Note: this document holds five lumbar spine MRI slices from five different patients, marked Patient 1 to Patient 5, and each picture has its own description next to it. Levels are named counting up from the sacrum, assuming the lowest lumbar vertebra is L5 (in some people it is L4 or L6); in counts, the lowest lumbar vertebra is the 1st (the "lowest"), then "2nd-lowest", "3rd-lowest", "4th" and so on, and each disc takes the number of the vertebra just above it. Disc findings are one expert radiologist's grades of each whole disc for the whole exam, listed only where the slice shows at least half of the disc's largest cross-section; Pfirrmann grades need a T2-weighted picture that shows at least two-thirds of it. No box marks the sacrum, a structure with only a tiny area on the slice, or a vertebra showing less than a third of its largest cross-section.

Patient 1 of 5:
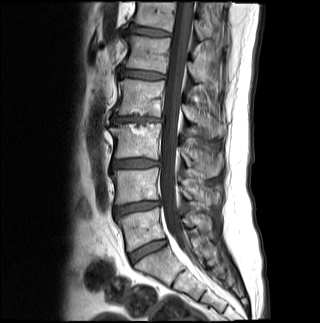 Sex M. 320x323 px. T1-weighted sagittal MRI of the lumbar spine.

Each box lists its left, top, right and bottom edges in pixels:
Segmented structures:
• L4 (2nd-lowest vertebra) at left=112, top=167, right=217, bottom=208
• L3/L4 (3rd-lowest disc) at left=112, top=158, right=160, bottom=168
• L3 (3rd-lowest vertebra) at left=110, top=124, right=222, bottom=177
• L1 (5th vertebra) at left=124, top=36, right=212, bottom=87
• intervertebral disc T12/L1 (6th disc) at left=129, top=25, right=169, bottom=36
• L2 (4th vertebra) at left=115, top=79, right=225, bottom=137
• intervertebral disc L5/S1 (lowest disc) at left=129, top=239, right=166, bottom=263
• L4/L5 (2nd-lowest disc) at left=114, top=201, right=159, bottom=215
• L5 (lowest vertebra) at left=117, top=208, right=211, bottom=251
• intervertebral disc L1/L2 (5th disc) at left=120, top=69, right=164, bottom=79
• thecal sac / spinal canal at left=160, top=1, right=193, bottom=247
• intervertebral disc L2/L3 (4th disc) at left=112, top=116, right=162, bottom=124
• T12 (6th vertebra) at left=132, top=3, right=210, bottom=40

Radiological gradings:
  L1/L2 (5th disc): lower-endplate change, upper-endplate change
  L3/L4 (3rd-lowest disc): disc bulging
  L4/L5 (2nd-lowest disc): disc bulging, lower-endplate change, disc narrowing
  L2/L3 (4th disc): disc bulging, disc narrowing, Modic type II, upper-endplate change, lower-endplate change
  T12/L1 (6th disc), L5/S1 (lowest disc): no spondylolisthesis, narrowing, bulging, herniation, Modic or endplate change recorded

Patient 2 of 5:
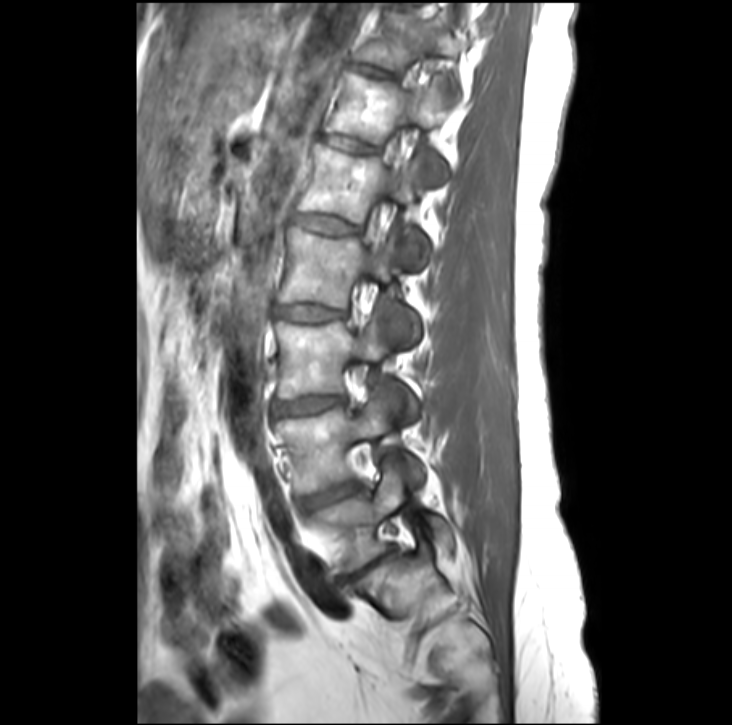 Slice 21/31; Sagittal T1-weighted lumbar spine MRI; 732x725 px
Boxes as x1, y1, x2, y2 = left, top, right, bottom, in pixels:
Annotations:
• L4 (2nd-lowest vertebra): 278, 389, 425, 493
• L5 (lowest vertebra): 313, 456, 453, 576
• T11 (7th vertebra): 354, 4, 458, 87
• L1 (5th vertebra): 296, 146, 425, 268
• IVD L4/L5 (2nd-lowest disc): 303, 482, 359, 512
• IVD L5/S1 (lowest disc): 339, 545, 398, 585
• L3 (3rd-lowest vertebra): 276, 317, 417, 420
• T12/L1 (6th disc): 318, 134, 373, 154
• IVD L1/L2 (5th disc): 295, 216, 357, 234
• T12 (6th vertebra): 323, 75, 445, 185
• L2/L3 (4th disc): 275, 307, 343, 322
• IVD L3/L4 (3rd-lowest disc): 276, 398, 346, 416
• L2 (4th vertebra): 278, 230, 420, 347
• IVD T11/T12 (7th disc): 349, 63, 391, 78

Per-level radiological findings:
- L3/L4 (3rd-lowest disc): disc bulging
- L2/L3 (4th disc), T12/L1 (6th disc), L1/L2 (5th disc): no spondylolisthesis, narrowing, bulging, herniation, Modic or endplate change recorded

Patient 3 of 5:
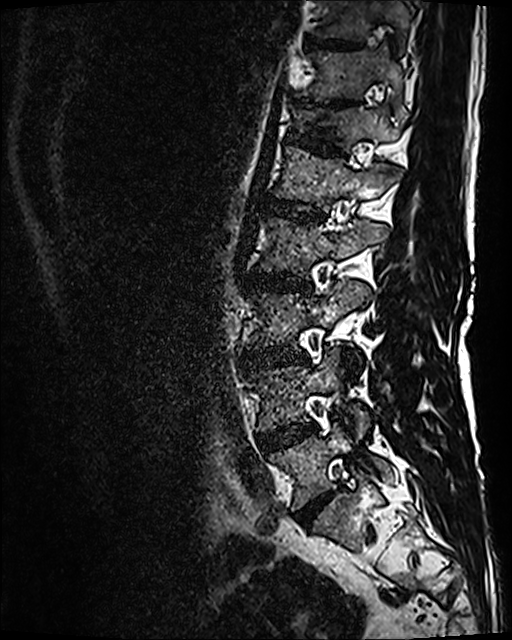 Slice 79 of 120; Lumbar spine MR, T2 SPACE (3D), sagittal; Sex M
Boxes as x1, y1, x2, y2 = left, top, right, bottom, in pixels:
{"2nd-lowest disc": "258, 424, 315, 451", "3rd-lowest vertebra": "254, 281, 370, 347", "4th vertebra": "259, 218, 389, 275", "lowest disc": "295, 492, 334, 526", "8th disc": "307, 37, 359, 48", "8th vertebra": "317, 0, 409, 43", "6th vertebra": "294, 106, 400, 149", "5th vertebra": "274, 147, 400, 211", "7th vertebra": "301, 49, 403, 109", "7th disc": "322, 101, 352, 105", "lowest vertebra": "269, 422, 391, 510", "3rd-lowest disc": "243, 348, 307, 367", "4th disc": "247, 272, 310, 290", "6th disc": "288, 127, 345, 155", "5th disc": "267, 198, 323, 222", "2nd-lowest vertebra": "250, 348, 367, 437"}

Degenerative findings by level:
- 5th disc: Pfirrmann grade 3
- 6th disc: Pfirrmann grade 3, lower-endplate change, upper-endplate change
- 4th disc: Modic type II, disc bulging
- 2nd-lowest disc: Pfirrmann grade 3, Modic type II, disc bulging
- 3rd-lowest disc: Pfirrmann grade 4, Modic type II, disc narrowing, disc bulging
- 8th disc: no spondylolisthesis, narrowing, bulging, herniation, Modic or endplate change recorded

Patient 4 of 5:
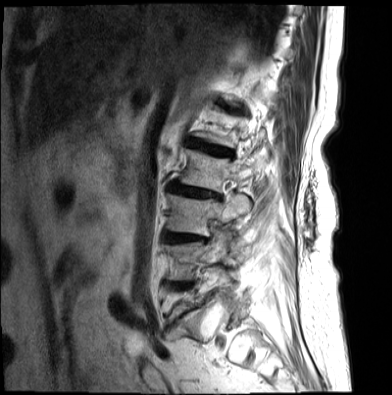
Slice 3/17, Patient sex: F, Sagittal T2-weighted lumbar spine MRI

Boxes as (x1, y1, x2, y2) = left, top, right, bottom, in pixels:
2nd-lowest vertebra: (162, 234, 227, 280).
3rd-lowest disc: (162, 232, 204, 242).
5th disc: (185, 138, 232, 156).
4th vertebra: (175, 149, 260, 191).
3rd-lowest vertebra: (166, 193, 248, 236).
4th disc: (167, 182, 218, 197).

Radiological gradings:
- 4th disc: Pfirrmann grade 3, upper-endplate change, disc narrowing, lower-endplate change, disc herniation, Modic type II, disc bulging
- 5th disc: Pfirrmann grade 4, disc bulging, Modic type II, upper-endplate change, lower-endplate change, disc narrowing
- 3rd-lowest disc: Pfirrmann grade 5, disc narrowing, Modic type II, lower-endplate change, upper-endplate change, disc bulging

Patient 5 of 5:
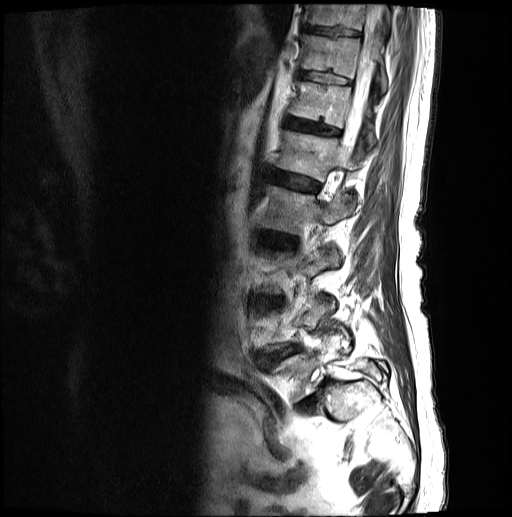
Field of view 300x303 mm; MRI lumbar spine (T2-weighted), sagittal plane

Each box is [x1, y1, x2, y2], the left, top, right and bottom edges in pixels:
4th vertebra at [260, 186, 354, 234], 5th disc at [272, 171, 318, 191], 7th disc at [298, 71, 350, 84], 8th vertebra at [304, 4, 389, 29], 6th vertebra at [289, 82, 374, 146], lowest vertebra at [273, 333, 387, 402], 8th disc at [303, 25, 358, 36], 6th disc at [284, 118, 339, 135], 7th vertebra at [301, 36, 386, 92], 5th vertebra at [278, 131, 364, 182], 4th disc at [256, 230, 297, 248], spinal canal at [342, 4, 383, 158], 2nd-lowest disc at [265, 347, 300, 365], lowest disc at [297, 380, 328, 414].

Radiological gradings:
• 7th disc: Pfirrmann grade 3
• 4th disc: disc bulging
• 5th disc: Pfirrmann grade 3
• lowest disc: Modic type II, disc herniation, spondylolisthesis, disc narrowing
• 8th disc: Pfirrmann grade 3
• 6th disc: Pfirrmann grade 3